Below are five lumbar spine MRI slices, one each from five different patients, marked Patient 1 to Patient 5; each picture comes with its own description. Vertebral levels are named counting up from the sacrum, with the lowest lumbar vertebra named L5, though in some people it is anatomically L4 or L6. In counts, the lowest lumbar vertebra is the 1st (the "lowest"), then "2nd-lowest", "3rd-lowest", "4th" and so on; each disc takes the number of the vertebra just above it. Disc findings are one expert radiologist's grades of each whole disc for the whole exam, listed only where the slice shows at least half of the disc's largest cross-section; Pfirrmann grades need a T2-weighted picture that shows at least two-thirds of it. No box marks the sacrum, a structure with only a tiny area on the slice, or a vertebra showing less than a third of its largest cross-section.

Patient 1 of 5:
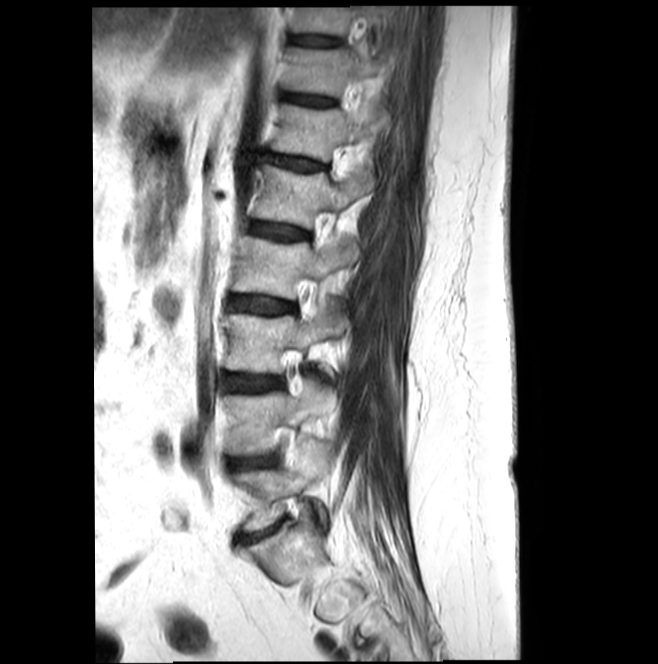
MRI lumbar spine (T2-weighted), sagittal plane | Field of view 308x311 mm
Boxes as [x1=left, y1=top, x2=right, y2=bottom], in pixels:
Structures:
* T10/T11: [x1=289, y1=34, x2=338, y2=45]
* T12: [x1=271, y1=104, x2=386, y2=161]
* L2/L3: [x1=230, y1=296, x2=294, y2=313]
* disc T12/L1: [x1=263, y1=152, x2=323, y2=171]
* L4/L5: [x1=233, y1=456, x2=274, y2=469]
* L4: [x1=224, y1=381, x2=327, y2=455]
* L2 vertebra: [x1=232, y1=236, x2=358, y2=301]
* L3: [x1=225, y1=302, x2=345, y2=374]
* L5 vertebra: [x1=235, y1=453, x2=326, y2=531]
* T11/T12: [x1=284, y1=94, x2=332, y2=106]
* L3/L4: [x1=223, y1=373, x2=280, y2=391]
* T11: [x1=285, y1=48, x2=377, y2=96]
* T10 vertebra: [x1=292, y1=7, x2=350, y2=36]
* L1: [x1=254, y1=165, x2=374, y2=228]
* disc L1/L2: [x1=250, y1=221, x2=308, y2=240]

Expert MSK radiologist gradings (per disc):
  T11/T12: Pfirrmann grade 3
  L3/L4: Pfirrmann grade 3, Modic type II
  L1/L2: Pfirrmann grade 3
  T12/L1: Pfirrmann grade 3, disc bulging
  L2/L3: Pfirrmann grade 3
  T10/T11: no spondylolisthesis, narrowing, bulging, herniation, Modic or endplate change recorded

Patient 2 of 5:
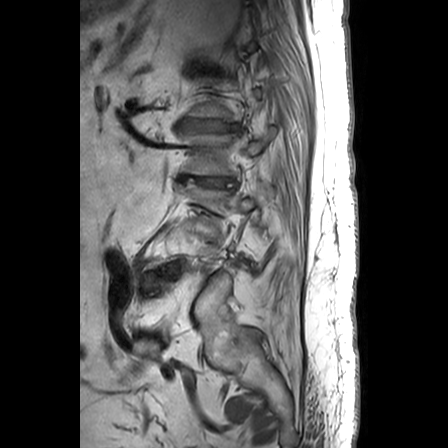
Lumbar spine MR, T1-weighted, sagittal.

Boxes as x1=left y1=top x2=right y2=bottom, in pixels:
L2 (4th vertebra): x1=181 y1=127 x2=274 y2=174.
IVD L2/L3 (4th disc): x1=179 y1=174 x2=233 y2=186.
IVD L1/L2 (5th disc): x1=182 y1=121 x2=226 y2=130.

Per-level radiological findings:
• L2/L3 (4th disc): disc bulging, disc narrowing
• L1/L2 (5th disc): disc bulging, disc narrowing

Patient 3 of 5:
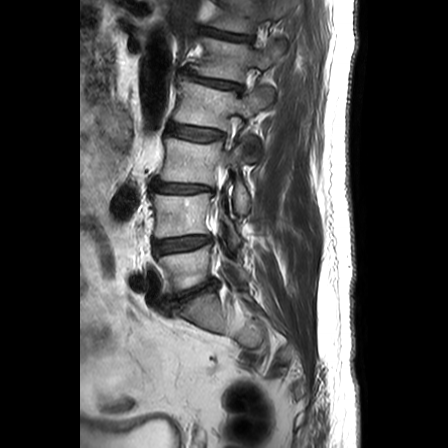 448x448 px | T2-weighted sagittal MRI of the lumbar spine | Patient sex: M
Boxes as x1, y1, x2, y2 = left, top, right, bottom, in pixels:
L3 — 159, 137, 249, 213.
L4/L5 — 152, 236, 211, 254.
Intervertebral disc L1/L2 — 182, 71, 242, 91.
Intervertebral disc T12/L1 — 199, 27, 253, 41.
T12 — 208, 0, 287, 33.
L4 — 151, 193, 241, 245.
L5 — 158, 245, 249, 297.
Intervertebral disc L2/L3 — 168, 124, 224, 140.
L3/L4 — 151, 181, 212, 193.
L2 — 173, 80, 275, 160.
Intervertebral disc L5/S1 — 161, 280, 218, 316.
L1 — 193, 36, 283, 81.

Degenerative findings by level:
- L5/S1: Pfirrmann grade 5, disc narrowing, disc bulging
- L4/L5: Pfirrmann grade 2, disc bulging
- T12/L1: Pfirrmann grade 3, disc narrowing, disc bulging
- L3/L4: Pfirrmann grade 5, disc herniation, disc narrowing
- L2/L3: Pfirrmann grade 2
- L1/L2: Pfirrmann grade 3, disc bulging, disc narrowing

Patient 4 of 5:
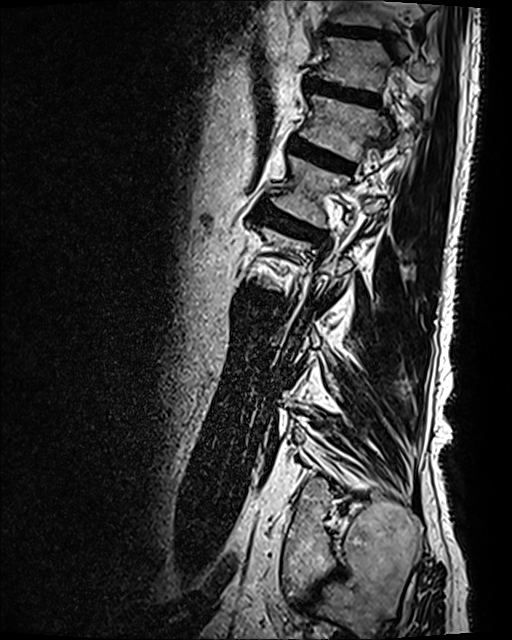 Image 512x640. T2 SPACE (3D) sagittal MRI of the lumbar spine. Sex M.

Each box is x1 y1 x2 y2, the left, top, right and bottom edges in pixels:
T11 vertebra: 316 38 438 90
T12: 300 94 421 161
intervertebral disc T12/L1: 290 137 353 171
L1/L2: 258 206 324 240
L1: 271 156 385 227
intervertebral disc T11/T12: 305 75 378 102
T10/T11: 325 24 391 39

Per-level radiological findings:
• T11/T12: Pfirrmann grade 4, disc bulging, lower-endplate change, upper-endplate change
• T12/L1: Modic type II, lower-endplate change, disc bulging, upper-endplate change
• L1/L2: Pfirrmann grade 4, disc bulging, lower-endplate change, Modic type II, upper-endplate change
• T10/T11: no Modic or endplate change, herniation, narrowing, bulging or spondylolisthesis recorded

Patient 5 of 5:
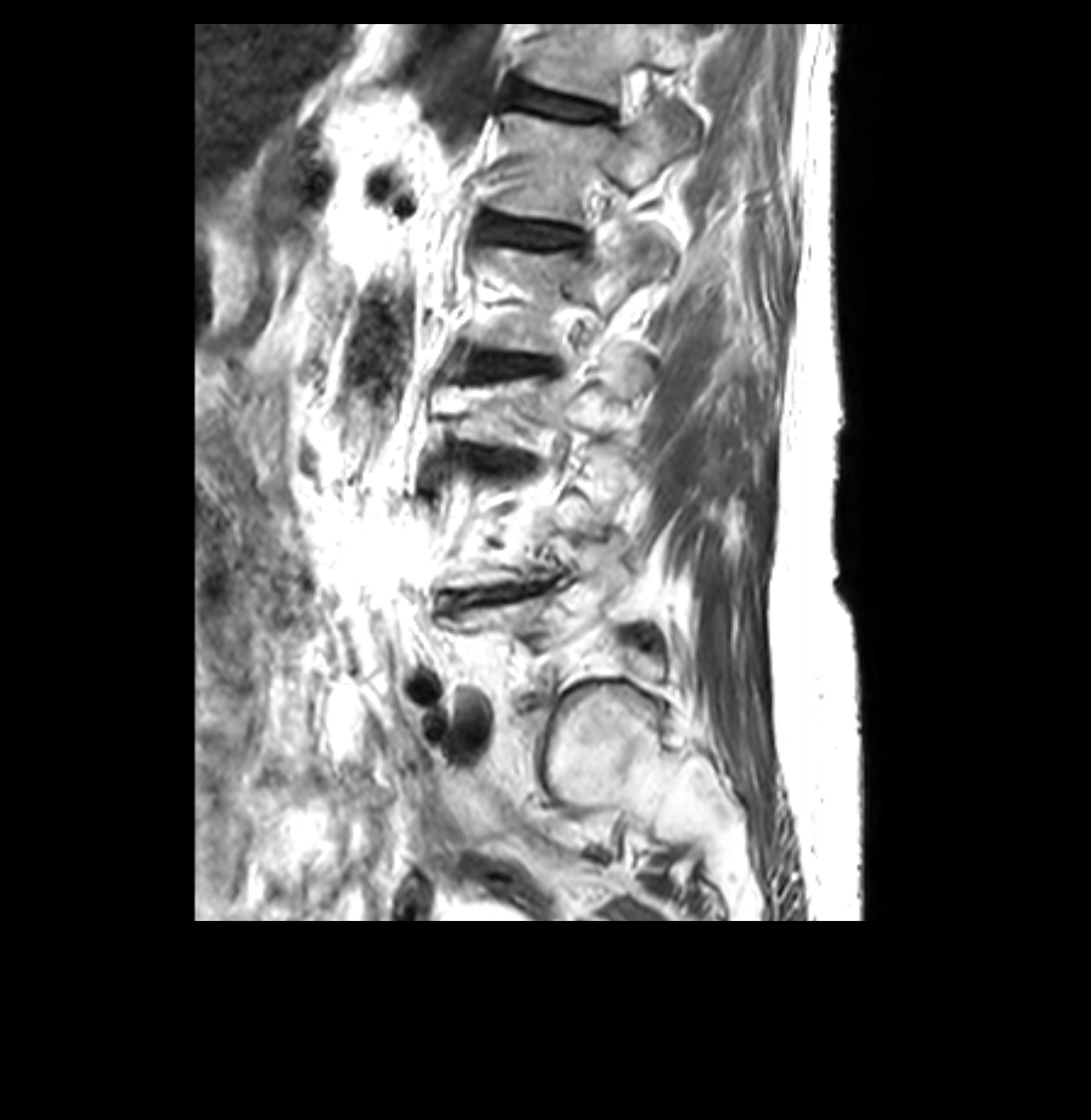

T2-weighted sagittal MRI of the lumbar spine; Patient sex: F; 1091x1120 px; Slice spacing 3.4 mm

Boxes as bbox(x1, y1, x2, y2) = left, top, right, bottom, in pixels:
6th vertebra: bbox(523, 23, 701, 104)
5th disc: bbox(485, 217, 582, 247)
6th disc: bbox(511, 85, 611, 118)
lowest vertebra: bbox(453, 542, 628, 648)
5th vertebra: bbox(492, 104, 684, 263)
3rd-lowest disc: bbox(473, 451, 515, 467)
4th vertebra: bbox(475, 231, 660, 353)
4th disc: bbox(473, 355, 545, 376)
2nd-lowest disc: bbox(446, 580, 545, 607)
3rd-lowest vertebra: bbox(455, 360, 650, 436)

Expert MSK radiologist gradings (per disc):
- 6th disc: Pfirrmann grade 3, disc bulging, upper-endplate change
- 5th disc: lower-endplate change, upper-endplate change